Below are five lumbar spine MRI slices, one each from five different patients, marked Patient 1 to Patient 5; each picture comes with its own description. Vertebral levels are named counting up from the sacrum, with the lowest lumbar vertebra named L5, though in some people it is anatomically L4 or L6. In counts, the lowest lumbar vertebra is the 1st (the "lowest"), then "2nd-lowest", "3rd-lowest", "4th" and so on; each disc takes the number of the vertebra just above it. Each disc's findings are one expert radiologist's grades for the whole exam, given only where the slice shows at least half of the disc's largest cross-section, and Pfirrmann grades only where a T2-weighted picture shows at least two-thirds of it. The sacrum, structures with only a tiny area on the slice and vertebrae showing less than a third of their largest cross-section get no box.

Patient 1 of 5:
Image 384x384, Slice 9/15, Lumbar spine MR, T1-weighted, sagittal 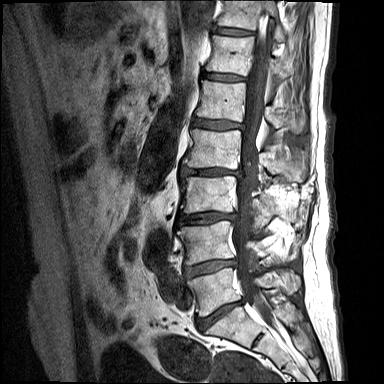

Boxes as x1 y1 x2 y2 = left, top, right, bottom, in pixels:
L4 vertebra — 177 221 298 264 | thecal sac / spinal canal — 232 11 275 325 | T12 — 206 35 288 78 | L3/L4 — 177 212 236 225 | T11/T12 — 212 26 254 36 | L5 vertebra — 187 268 300 316 | L1 — 196 80 305 133 | L3 vertebra — 181 176 295 225 | L2/L3 — 180 167 242 175 | L2 vertebra — 182 128 307 182 | T11 vertebra — 217 0 286 42 | IVD T12/L1 — 202 72 247 81 | IVD L5/S1 — 196 300 243 331 | IVD L4/L5 — 184 259 236 277 | IVD L1/L2 — 193 118 242 129

Radiological gradings:
• L4/L5: disc narrowing, Modic type II, lower-endplate change, disc bulging
• L3/L4: lower-endplate change, disc herniation, Modic type II, disc narrowing, upper-endplate change
• L2/L3: disc narrowing, Modic type II, lower-endplate change, disc herniation
• T11/T12: disc narrowing, Modic type II, upper-endplate change, lower-endplate change
• L5/S1: Modic type II, disc bulging, disc narrowing
• T12/L1: disc narrowing, Modic type II
• L1/L2: disc narrowing, Modic type II, disc bulging, lower-endplate change

Patient 2 of 5:
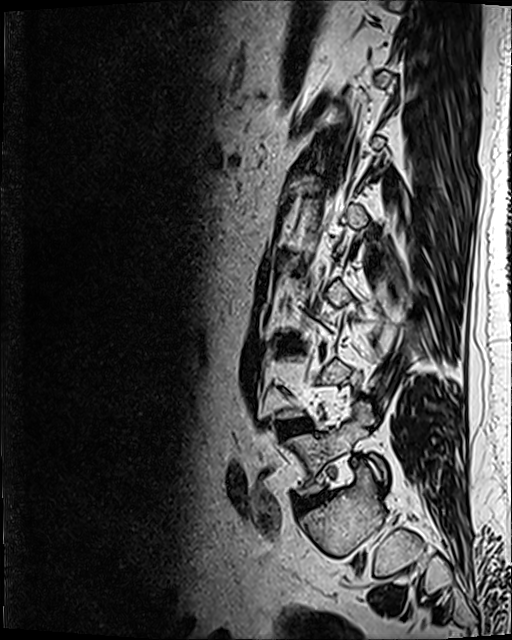
Slice spacing 0.9 mm; Sex M; MRI lumbar spine (T2 SPACE (3D)), sagittal plane

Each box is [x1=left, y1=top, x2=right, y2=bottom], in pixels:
{"L5": "[x1=287, y1=401, x2=383, y2=494]", "disc L4/L5": "[x1=282, y1=420, x2=311, y2=433]", "L5/S1": "[x1=301, y1=492, x2=329, y2=507]"}

Patient 3 of 5:
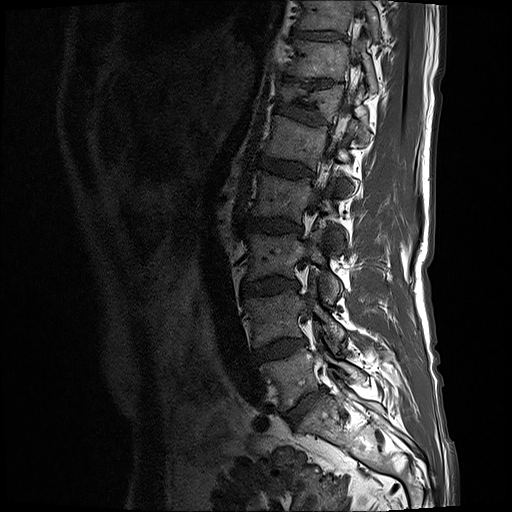 Patient sex: M; Lumbar spine MR, T1-weighted, sagittal

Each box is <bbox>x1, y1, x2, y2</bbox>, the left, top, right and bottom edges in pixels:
T11 vertebra at <bbox>286, 39, 377, 94</bbox>, T12 vertebra at <bbox>283, 84, 367, 143</bbox>, T10 at <bbox>298, 0, 378, 38</bbox>, L1 vertebra at <bbox>266, 115, 350, 169</bbox>, L2 at <bbox>253, 171, 333, 222</bbox>, L3 vertebra at <bbox>248, 230, 341, 303</bbox>, spinal canal at <bbox>317, 60, 357, 194</bbox>, T10/T11 at <bbox>294, 30, 341, 39</bbox>, disc L2/L3 at <bbox>244, 215, 301, 231</bbox>, L4 at <bbox>246, 283, 345, 347</bbox>, T11/T12 at <bbox>313, 79, 333, 86</bbox>, L5 vertebra at <bbox>262, 340, 364, 409</bbox>, disc L4/L5 at <bbox>255, 339, 305, 362</bbox>, disc T12/L1 at <bbox>275, 100, 328, 124</bbox>, disc L3/L4 at <bbox>242, 278, 298, 294</bbox>, L5/S1 at <bbox>284, 391, 320, 426</bbox>, disc L1/L2 at <bbox>258, 156, 312, 178</bbox>.

Expert MSK radiologist gradings (per disc):
- L5/S1: disc bulging, disc narrowing
- L4/L5: Modic type II, disc bulging
- L3/L4: disc bulging, Modic type II, disc narrowing
- L2/L3: disc bulging, Modic type II
- T12/L1: upper-endplate change, lower-endplate change
- T10/T11, L1/L2: no spondylolisthesis, narrowing, bulging, herniation, Modic or endplate change recorded

Patient 4 of 5:
Image 556x557. Sex M. Field of view 300x301 mm. T1-weighted sagittal MRI of the lumbar spine.
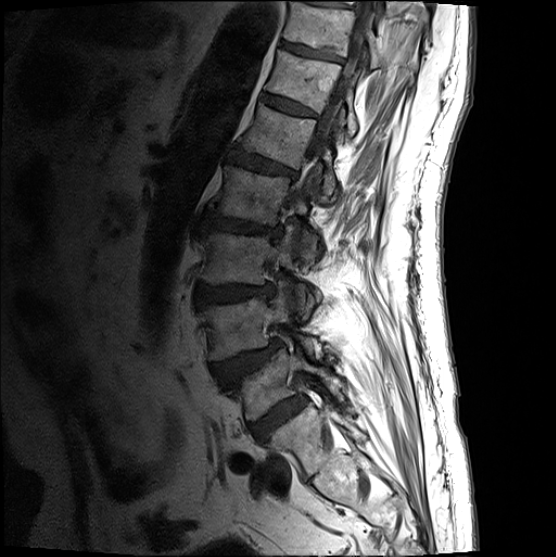
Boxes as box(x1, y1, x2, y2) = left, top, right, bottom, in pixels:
Spinal canal at box(292, 0, 377, 209); 2nd-lowest disc at box(212, 341, 282, 384); 5th disc at box(228, 150, 296, 181); 5th vertebra at box(241, 104, 338, 204); 7th disc at box(280, 42, 341, 63); 4th vertebra at box(209, 166, 318, 262); 4th disc at box(201, 212, 282, 240); 3rd-lowest disc at box(195, 286, 273, 307); lowest vertebra at box(227, 351, 343, 422); 6th vertebra at box(265, 52, 358, 140); 2nd-lowest vertebra at box(200, 284, 324, 362); 3rd-lowest vertebra at box(199, 228, 314, 320); 6th disc at box(262, 95, 317, 119); 7th vertebra at box(282, 2, 418, 78); lowest disc at box(249, 398, 306, 442).

Expert MSK radiologist gradings (per disc):
  4th disc: upper-endplate change, lower-endplate change, disc bulging, disc narrowing
  2nd-lowest disc: spondylolisthesis, upper-endplate change, disc herniation
  7th disc: lower-endplate change
  3rd-lowest disc: disc bulging
  5th disc: disc bulging, lower-endplate change, upper-endplate change
  lowest disc, 6th disc: no herniation, bulging, narrowing, spondylolisthesis, endplate or Modic change recorded

Patient 5 of 5:
Image 528x533, Sex M, T2-weighted sagittal MRI of the lumbar spine

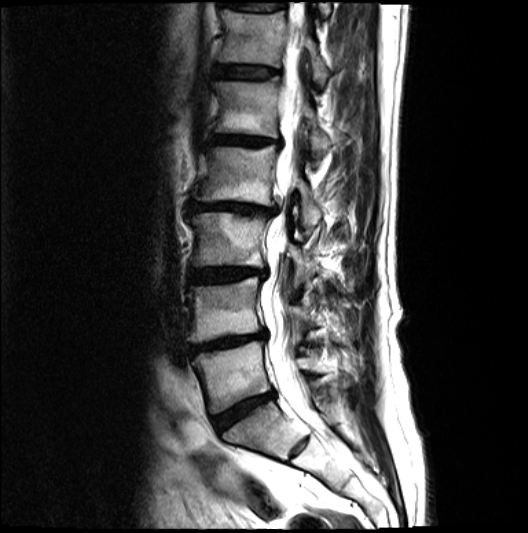 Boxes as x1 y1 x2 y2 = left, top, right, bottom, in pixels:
L1/L2 at 210 134 282 147.
Intervertebral disc L4/L5 at 190 331 266 353.
T12 at 221 10 329 86.
Intervertebral disc L3/L4 at 190 268 266 282.
Thecal sac / spinal canal at 260 22 312 424.
L3 vertebra at 190 213 315 281.
L5/S1 at 216 393 273 430.
L4 at 188 277 314 342.
L1 vertebra at 214 79 332 158.
T12/L1 at 217 66 278 79.
L2 at 191 147 322 232.
L5 at 194 342 326 413.
L2/L3 at 188 201 278 216.

Degenerative findings by level:
- L3/L4: Pfirrmann grade 4, disc narrowing, disc bulging, Modic type II
- L4/L5: Pfirrmann grade 5, disc bulging, lower-endplate change, disc narrowing, upper-endplate change, Modic type II
- L5/S1: Pfirrmann grade 4, disc narrowing, disc bulging, Modic type II
- L2/L3: Pfirrmann grade 5, Modic type II, disc narrowing, upper-endplate change, disc bulging, lower-endplate change
- L1/L2: Pfirrmann grade 5, disc bulging, lower-endplate change, disc narrowing, upper-endplate change, Modic type II
- T12/L1: Pfirrmann grade 3